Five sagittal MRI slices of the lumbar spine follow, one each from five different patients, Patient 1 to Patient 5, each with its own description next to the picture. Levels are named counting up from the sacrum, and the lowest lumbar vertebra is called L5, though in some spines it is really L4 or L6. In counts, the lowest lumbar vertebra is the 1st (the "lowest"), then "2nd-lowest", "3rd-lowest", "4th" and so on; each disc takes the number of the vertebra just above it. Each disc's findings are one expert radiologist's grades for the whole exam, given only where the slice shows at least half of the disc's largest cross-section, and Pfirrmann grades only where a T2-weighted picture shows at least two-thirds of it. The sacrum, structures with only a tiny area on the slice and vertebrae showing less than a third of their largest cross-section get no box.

Patient 1 of 5:
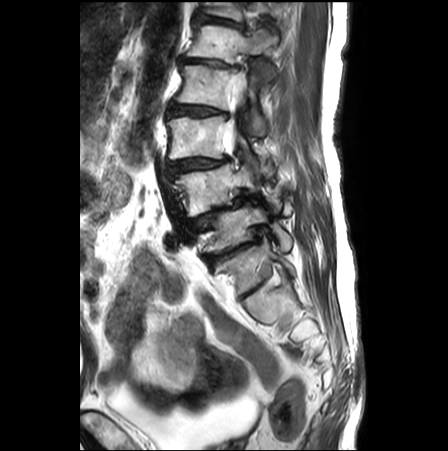 T2-weighted sagittal MRI of the lumbar spine.

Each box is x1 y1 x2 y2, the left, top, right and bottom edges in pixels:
3rd-lowest disc at 168 158 228 172, 5th vertebra at 187 25 278 80, 4th disc at 168 104 230 117, 6th disc at 194 12 243 29, 2nd-lowest vertebra at 175 164 266 216, 3rd-lowest vertebra at 167 114 254 163, 5th disc at 179 57 239 69, thecal sac / spinal canal at 222 75 248 147, lowest vertebra at 199 204 291 252, 2nd-lowest disc at 188 194 248 230, 4th vertebra at 174 64 266 136, lowest disc at 204 237 259 267.

Per-level radiological findings:
  5th disc: Pfirrmann grade 5, disc bulging, disc narrowing, lower-endplate change
  4th disc: Pfirrmann grade 4, Modic type II, spondylolisthesis, disc bulging, upper-endplate change, lower-endplate change, disc narrowing
  2nd-lowest disc: disc narrowing, lower-endplate change, Modic type II, disc bulging, upper-endplate change, disc herniation, spondylolisthesis
  6th disc: Pfirrmann grade 4, upper-endplate change, disc bulging, lower-endplate change
  lowest disc: Pfirrmann grade 5, disc bulging, disc herniation, Modic type II, disc narrowing, lower-endplate change, upper-endplate change
  3rd-lowest disc: Pfirrmann grade 4, disc bulging, Modic type II, disc narrowing, upper-endplate change, spondylolisthesis, lower-endplate change

Patient 2 of 5:
Lumbar spine MR, T2-weighted, sagittal; Slice 10/19

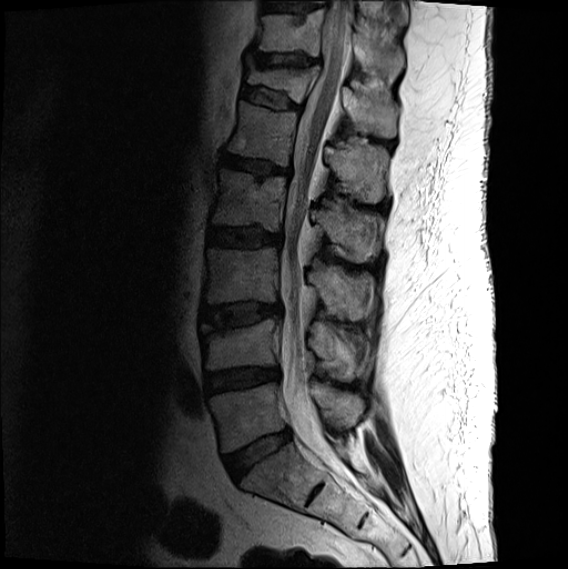

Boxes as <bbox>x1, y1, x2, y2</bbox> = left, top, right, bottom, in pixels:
Disc L5/S1 at <bbox>224, 429, 291, 481</bbox>, L5 at <bbox>209, 382, 364, 452</bbox>, T12 vertebra at <bbox>245, 66, 397, 138</bbox>, L3 vertebra at <bbox>203, 246, 374, 320</bbox>, T11 vertebra at <bbox>254, 9, 404, 77</bbox>, L4 at <bbox>201, 318, 362, 381</bbox>, disc L4/L5 at <bbox>205, 367, 280, 393</bbox>, L2 vertebra at <bbox>212, 168, 384, 263</bbox>, L3/L4 at <bbox>201, 302, 282, 326</bbox>, T12/L1 at <bbox>242, 86, 300, 109</bbox>, L1 vertebra at <bbox>227, 101, 386, 202</bbox>, disc T11/T12 at <bbox>245, 52, 320, 67</bbox>, L2/L3 at <bbox>207, 227, 282, 247</bbox>, spinal canal at <bbox>280, 0, 351, 478</bbox>, L1/L2 at <bbox>221, 153, 290, 177</bbox>.

Degenerative findings by level:
  L5/S1: Pfirrmann grade 2, disc bulging
  L2/L3: Pfirrmann grade 3, lower-endplate change, disc bulging
  T12/L1: Pfirrmann grade 2, upper-endplate change, lower-endplate change, disc bulging, spondylolisthesis
  L4/L5: Pfirrmann grade 3, disc bulging, disc narrowing
  T11/T12: Pfirrmann grade 2, disc bulging, lower-endplate change, disc narrowing, upper-endplate change
  L3/L4: Pfirrmann grade 3, Modic type II, lower-endplate change, disc bulging, upper-endplate change
  L1/L2: Pfirrmann grade 3, lower-endplate change, disc narrowing, disc bulging, upper-endplate change, Modic type II

Patient 3 of 5:
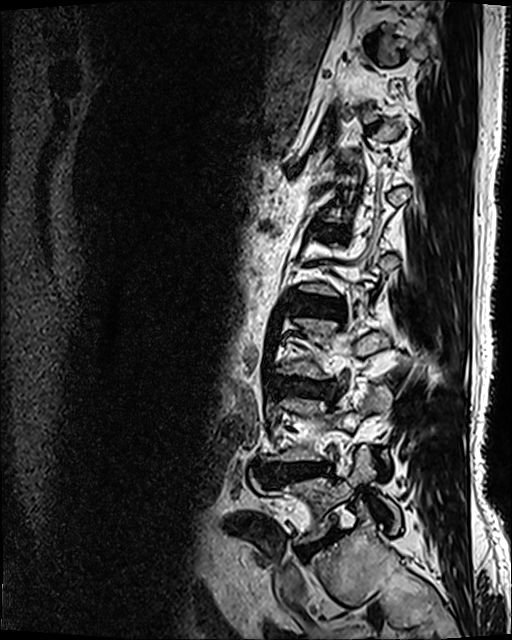 Lumbar spine MR, T2 SPACE (3D), sagittal
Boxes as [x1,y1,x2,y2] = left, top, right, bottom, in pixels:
Lowest vertebra: [270,445,400,542].
4th disc: [301,296,341,315].
3rd-lowest disc: [271,377,336,398].
2nd-lowest disc: [270,464,328,483].
Lowest disc: [303,536,333,554].
5th disc: [325,229,341,234].

Expert MSK radiologist gradings (per disc):
• 3rd-lowest disc: disc narrowing, disc bulging, lower-endplate change, Modic type II

Patient 4 of 5:
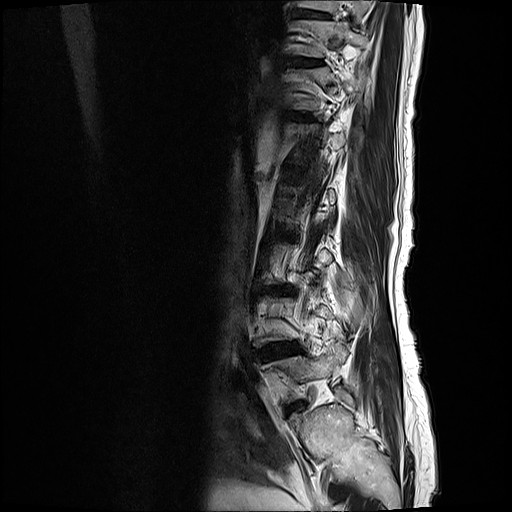 Lumbar spine MR, T2-weighted, sagittal
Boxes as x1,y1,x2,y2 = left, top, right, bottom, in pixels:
L3/L4 (3rd-lowest disc): 270,286,288,292.
T10 (8th vertebra): 297,0,370,21.
T10/T11 (8th disc): 299,10,328,17.
L5 (lowest vertebra): 271,348,344,381.
IVD L4/L5 (2nd-lowest disc): 260,344,298,359.
T11 (7th vertebra): 296,20,368,57.
T11/T12 (7th disc): 295,58,320,64.

Degenerative findings by level:
  T10/T11 (8th disc): upper-endplate change, lower-endplate change
  L4/L5 (2nd-lowest disc): upper-endplate change, disc bulging, disc narrowing, Modic type II, lower-endplate change

Patient 5 of 5:
MRI lumbar spine (T2 SPACE (3D)), sagittal plane, Field of view 240x300 mm, Patient sex: M, Image 512x640
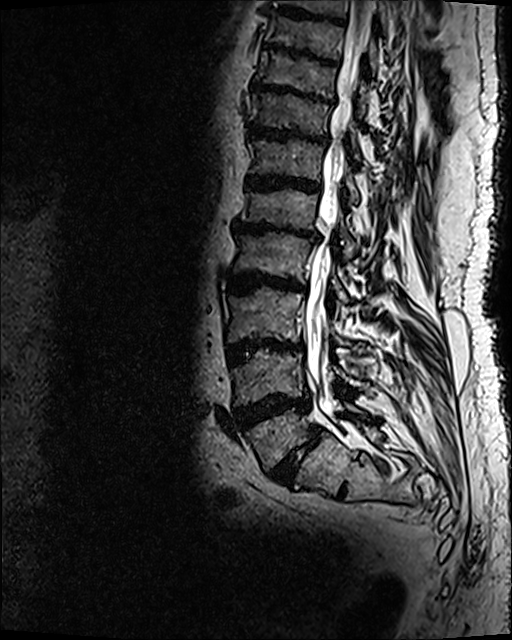
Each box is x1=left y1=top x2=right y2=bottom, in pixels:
• L2 vertebra = x1=232 y1=232 x2=349 y2=304
• L3 = x1=227 y1=287 x2=350 y2=346
• L4 = x1=231 y1=349 x2=369 y2=404
• L5/S1 = x1=269 y1=427 x2=322 y2=485
• IVD L4/L5 = x1=231 y1=393 x2=313 y2=430
• IVD T12/L1 = x1=244 y1=174 x2=321 y2=193
• L1/L2 = x1=232 y1=221 x2=319 y2=240
• L5 vertebra = x1=245 y1=401 x2=368 y2=470
• T10 vertebra = x1=255 y1=49 x2=366 y2=118
• IVD T9/T10 = x1=262 y1=44 x2=338 y2=64
• T11 = x1=249 y1=92 x2=360 y2=159
• spinal canal = x1=305 y1=1 x2=375 y2=411
• L1 = x1=240 y1=189 x2=359 y2=263
• T12 = x1=249 y1=137 x2=359 y2=204
• IVD T10/T11 = x1=250 y1=82 x2=332 y2=105
• T11/T12 = x1=247 y1=124 x2=329 y2=144
• L3/L4 = x1=225 y1=338 x2=302 y2=364
• L2/L3 = x1=228 y1=274 x2=305 y2=294

Expert MSK radiologist gradings (per disc):
- L5/S1: Pfirrmann grade 5, disc narrowing, disc bulging, lower-endplate change, spondylolisthesis, upper-endplate change, Modic type II
- T11/T12: Pfirrmann grade 5, upper-endplate change, disc bulging, disc narrowing, lower-endplate change, Modic type II
- L1/L2: disc bulging, upper-endplate change, Modic type II, disc narrowing, lower-endplate change
- L2/L3: Pfirrmann grade 5, Modic type II, lower-endplate change, upper-endplate change, disc narrowing, disc bulging
- T10/T11: Modic type II, disc narrowing, disc bulging, upper-endplate change, lower-endplate change
- L4/L5: Pfirrmann grade 5, disc narrowing, upper-endplate change, lower-endplate change, disc bulging, Modic type II
- T12/L1: Pfirrmann grade 5, Modic type II, lower-endplate change, disc bulging, disc narrowing, upper-endplate change
- L3/L4: Pfirrmann grade 5, disc bulging, disc narrowing, lower-endplate change, Modic type II, upper-endplate change